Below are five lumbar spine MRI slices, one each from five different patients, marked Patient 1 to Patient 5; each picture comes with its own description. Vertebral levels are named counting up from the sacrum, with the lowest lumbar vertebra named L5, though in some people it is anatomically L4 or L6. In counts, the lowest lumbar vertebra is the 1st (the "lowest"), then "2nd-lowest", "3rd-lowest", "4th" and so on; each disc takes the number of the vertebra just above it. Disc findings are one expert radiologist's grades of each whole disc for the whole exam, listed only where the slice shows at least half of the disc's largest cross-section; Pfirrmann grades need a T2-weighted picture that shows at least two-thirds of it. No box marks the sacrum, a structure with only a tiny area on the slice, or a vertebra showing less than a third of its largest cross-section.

Patient 1 of 5:
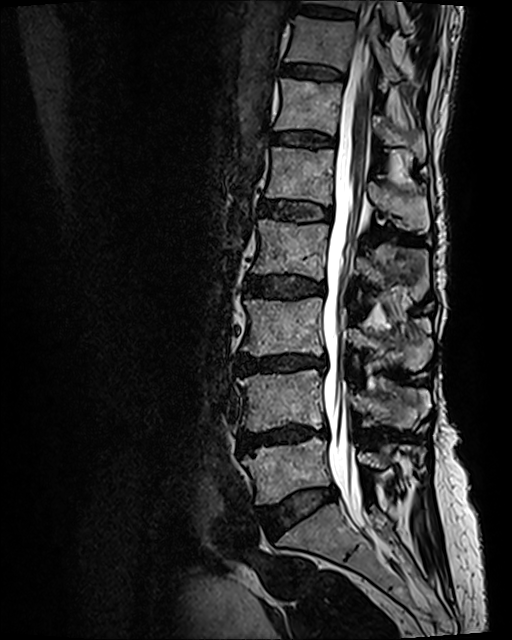 512x640 px; Slice 63 of 120; Patient sex: F; T2 SPACE (3D) sagittal MRI of the lumbar spine

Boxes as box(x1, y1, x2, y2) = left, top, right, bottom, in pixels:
{"5th vertebra": "box(265, 146, 428, 233)", "5th disc": "box(260, 200, 331, 220)", "2nd-lowest vertebra": "box(238, 369, 430, 431)", "4th disc": "box(247, 275, 325, 297)", "3rd-lowest vertebra": "box(242, 296, 431, 370)", "lowest vertebra": "box(242, 437, 425, 505)", "8th disc": "box(300, 6, 353, 17)", "7th disc": "box(283, 64, 344, 78)", "lowest disc": "box(260, 487, 336, 532)", "7th vertebra": "box(286, 16, 400, 90)", "6th disc": "box(273, 131, 335, 145)", "2nd-lowest disc": "box(240, 424, 327, 450)", "6th vertebra": "box(274, 78, 426, 161)", "spinal canal": "box(322, 33, 376, 534)", "8th vertebra": "box(305, 0, 396, 25)", "4th vertebra": "box(252, 219, 429, 300)", "3rd-lowest disc": "box(238, 354, 327, 372)"}

Expert MSK radiologist gradings (per disc):
  6th disc: Pfirrmann grade 2, upper-endplate change, lower-endplate change, Modic type II
  lowest disc: Pfirrmann grade 2, disc bulging
  7th disc: Pfirrmann grade 2, lower-endplate change, Modic type II, upper-endplate change
  5th disc: Pfirrmann grade 3, Modic type II, lower-endplate change, upper-endplate change
  2nd-lowest disc: Pfirrmann grade 4, upper-endplate change, Modic type II, disc bulging, lower-endplate change, disc narrowing
  3rd-lowest disc: Pfirrmann grade 4, upper-endplate change, disc narrowing, Modic type II, lower-endplate change, disc bulging
  4th disc: Pfirrmann grade 3, Modic type II, lower-endplate change, upper-endplate change, disc bulging
  8th disc: Pfirrmann grade 2, upper-endplate change, lower-endplate change

Patient 2 of 5:
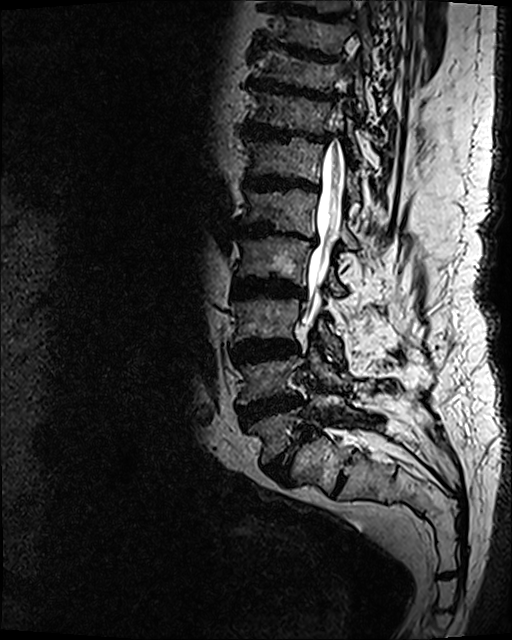 Sagittal slice index 72 | Lumbar spine MR, T2 SPACE (3D), sagittal | Field of view 240x300 mm

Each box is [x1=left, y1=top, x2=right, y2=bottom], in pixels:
spinal canal: [x1=302, y1=100, x2=344, y2=325]
L1/L2 (5th disc): [x1=231, y1=224, x2=316, y2=245]
L5/S1 (lowest disc): [x1=265, y1=427, x2=312, y2=482]
L3 (3rd-lowest vertebra): [x1=231, y1=297, x2=341, y2=357]
L4 (2nd-lowest vertebra): [x1=237, y1=341, x2=348, y2=405]
T10 (8th vertebra): [x1=256, y1=49, x2=366, y2=114]
T11/T12 (7th disc): [x1=242, y1=120, x2=329, y2=142]
T9/T10 (9th disc): [x1=263, y1=44, x2=340, y2=62]
T11 (7th vertebra): [x1=249, y1=89, x2=360, y2=158]
L5 (lowest vertebra): [x1=247, y1=389, x2=362, y2=464]
L1 (5th vertebra): [x1=240, y1=187, x2=357, y2=249]
intervertebral disc L3/L4 (3rd-lowest disc): [x1=230, y1=339, x2=299, y2=363]
T12 (6th vertebra): [x1=246, y1=137, x2=360, y2=200]
L2 (4th vertebra): [x1=236, y1=234, x2=346, y2=296]
intervertebral disc T12/L1 (6th disc): [x1=243, y1=173, x2=319, y2=192]
T10/T11 (8th disc): [x1=246, y1=75, x2=336, y2=102]
intervertebral disc L2/L3 (4th disc): [x1=232, y1=277, x2=303, y2=297]
intervertebral disc L4/L5 (2nd-lowest disc): [x1=238, y1=393, x2=303, y2=429]

Degenerative findings by level:
• T10/T11 (8th disc): Pfirrmann grade 5, Modic type II, disc bulging, disc narrowing, lower-endplate change, upper-endplate change
• T11/T12 (7th disc): Pfirrmann grade 5, upper-endplate change, lower-endplate change, disc bulging, Modic type II, disc narrowing
• T12/L1 (6th disc): Pfirrmann grade 5, upper-endplate change, Modic type II, disc bulging, lower-endplate change, disc narrowing
• L5/S1 (lowest disc): Pfirrmann grade 5, Modic type II, disc bulging, disc narrowing, upper-endplate change, spondylolisthesis, lower-endplate change
• L4/L5 (2nd-lowest disc): Pfirrmann grade 5, Modic type II, disc narrowing, lower-endplate change, disc bulging, upper-endplate change
• L3/L4 (3rd-lowest disc): Pfirrmann grade 5, Modic type II, lower-endplate change, disc bulging, disc narrowing, upper-endplate change
• L1/L2 (5th disc): upper-endplate change, disc bulging, lower-endplate change, Modic type II, disc narrowing
• L2/L3 (4th disc): Pfirrmann grade 5, disc bulging, upper-endplate change, disc narrowing, Modic type II, lower-endplate change
• T9/T10 (9th disc): Pfirrmann grade 5, Modic type II, lower-endplate change, disc bulging, upper-endplate change, disc narrowing

Patient 3 of 5:
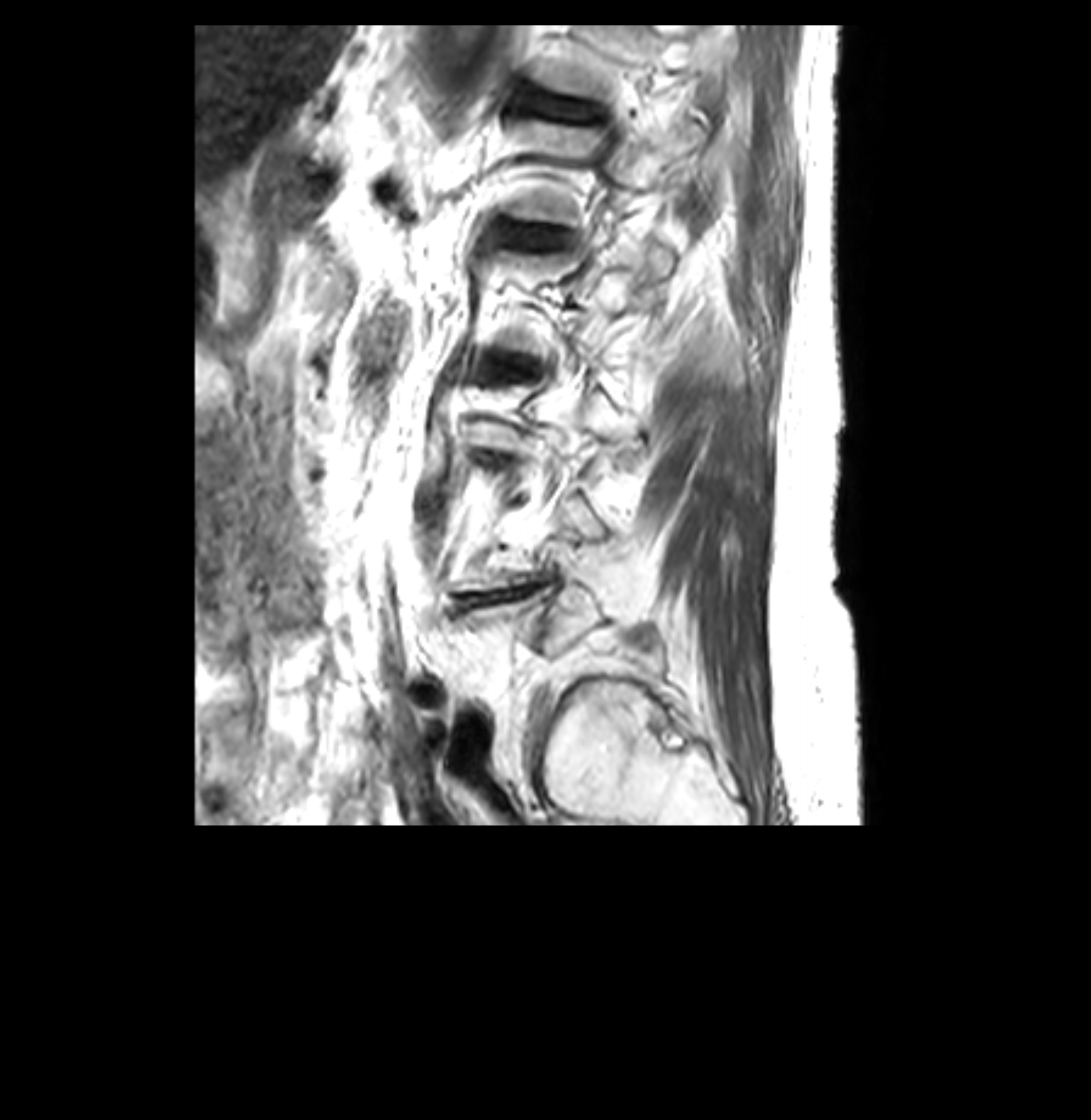 1091x1120 px; T2-weighted sagittal MRI of the lumbar spine; Sex F
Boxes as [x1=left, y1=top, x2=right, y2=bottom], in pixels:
T12 at [x1=533, y1=25, x2=706, y2=100], disc L4/L5 at [x1=463, y1=588, x2=535, y2=604], disc L1/L2 at [x1=509, y1=229, x2=555, y2=244], L1 vertebra at [x1=511, y1=120, x2=706, y2=223], T12/L1 at [x1=533, y1=96, x2=594, y2=118].

Patient 4 of 5:
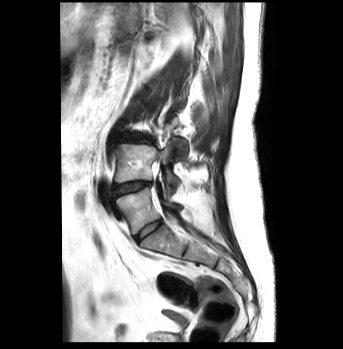
Field of view 285x291 mm | Lumbar spine MR, T2-weighted, sagittal
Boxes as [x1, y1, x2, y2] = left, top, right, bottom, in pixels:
Segmented structures:
* disc L5/S1 (lowest disc): [134, 219, 162, 240]
* L4/L5 (2nd-lowest disc): [113, 181, 150, 196]
* L5 (lowest vertebra): [116, 187, 182, 234]
* L4 (2nd-lowest vertebra): [114, 144, 178, 189]
* disc L3/L4 (3rd-lowest disc): [125, 135, 153, 143]

Radiological gradings:
  L5/S1 (lowest disc): Pfirrmann grade 1
  L4/L5 (2nd-lowest disc): Pfirrmann grade 4, lower-endplate change, disc narrowing, Modic type II, disc bulging

Patient 5 of 5:
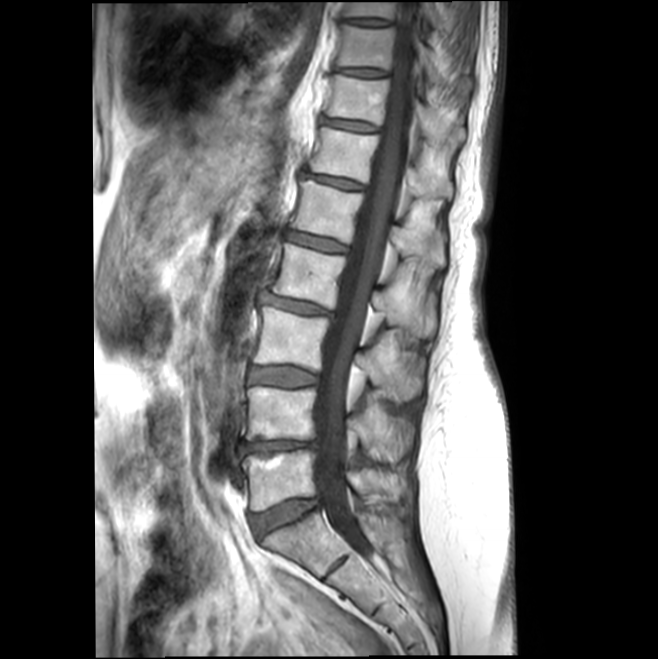 Slice 9/18. Lumbar spine MR, T1-weighted, sagittal.

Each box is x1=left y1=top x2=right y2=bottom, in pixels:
Segmented structures:
• intervertebral disc T9/T10 (9th disc) = x1=350 y1=19 x2=386 y2=26
• L1 (5th vertebra) = x1=291 y1=180 x2=444 y2=267
• L5 (lowest vertebra) = x1=242 y1=449 x2=404 y2=511
• intervertebral disc L5/S1 (lowest disc) = x1=251 y1=498 x2=318 y2=538
• L1/L2 (5th disc) = x1=285 y1=230 x2=347 y2=251
• thecal sac / spinal canal = x1=316 y1=1 x2=422 y2=559
• L4/L5 (2nd-lowest disc) = x1=241 y1=441 x2=314 y2=452
• L2/L3 (4th disc) = x1=264 y1=295 x2=328 y2=313
• L2 (4th vertebra) = x1=271 y1=242 x2=435 y2=338
• T10 (8th vertebra) = x1=337 y1=22 x2=468 y2=83
• intervertebral disc T10/T11 (8th disc) = x1=336 y1=67 x2=386 y2=76
• L4 (2nd-lowest vertebra) = x1=247 y1=386 x2=413 y2=461
• T12/L1 (6th disc) = x1=307 y1=174 x2=363 y2=189
• T12 (6th vertebra) = x1=309 y1=127 x2=452 y2=200
• T9 (9th vertebra) = x1=343 y1=2 x2=445 y2=28
• T11/T12 (7th disc) = x1=320 y1=118 x2=376 y2=131
• L3 (3rd-lowest vertebra) = x1=252 y1=306 x2=423 y2=401
• T11 (7th vertebra) = x1=324 y1=74 x2=464 y2=146
• L3/L4 (3rd-lowest disc) = x1=250 y1=366 x2=318 y2=386

Degenerative findings by level:
- L5/S1 (lowest disc): disc bulging
- L3/L4 (3rd-lowest disc): Modic type II, disc bulging
- L4/L5 (2nd-lowest disc): disc bulging, lower-endplate change, Modic type II, upper-endplate change
- L2/L3 (4th disc): disc bulging
- T10/T11 (8th disc), L1/L2 (5th disc), T11/T12 (7th disc), T9/T10 (9th disc), T12/L1 (6th disc): no herniation, bulging, narrowing, spondylolisthesis, endplate or Modic change recorded